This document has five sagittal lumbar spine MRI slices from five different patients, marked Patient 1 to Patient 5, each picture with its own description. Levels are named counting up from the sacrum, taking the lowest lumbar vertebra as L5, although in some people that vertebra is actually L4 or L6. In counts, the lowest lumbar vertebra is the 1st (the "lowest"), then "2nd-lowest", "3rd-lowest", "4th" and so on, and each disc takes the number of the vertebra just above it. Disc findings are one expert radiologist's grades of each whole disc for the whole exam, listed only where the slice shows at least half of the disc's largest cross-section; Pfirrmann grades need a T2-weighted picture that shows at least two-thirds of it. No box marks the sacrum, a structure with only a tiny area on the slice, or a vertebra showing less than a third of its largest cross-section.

Patient 1 of 5:
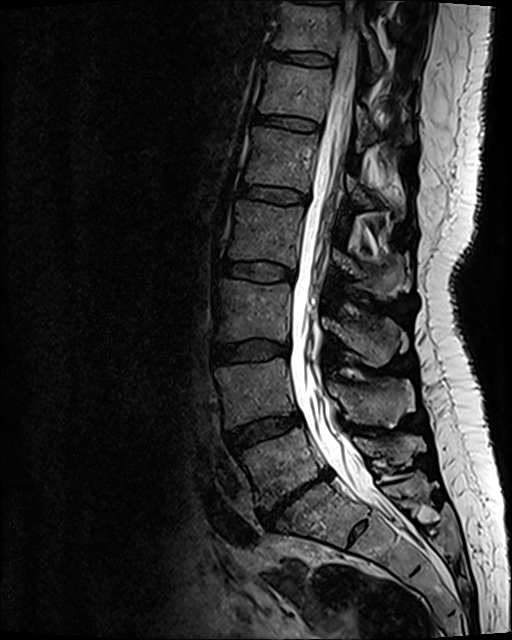
Sex F, Sagittal slice index 64, T2 SPACE (3D) sagittal MRI of the lumbar spine
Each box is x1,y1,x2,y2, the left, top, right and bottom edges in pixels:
IVD L3/L4 at 212,340,288,363; L1 at 245,128,403,218; T12 vertebra at 260,63,410,139; IVD L1/L2 at 239,184,307,204; IVD L4/L5 at 227,412,301,451; T11 at 273,6,383,70; T11/T12 at 269,50,331,65; IVD L2/L3 at 219,260,294,280; IVD T12/L1 at 255,114,319,131; L4 at 215,358,414,427; IVD L5/S1 at 258,470,330,525; L5 at 241,428,424,508; thecal sac / spinal canal at 290,1,399,520; L3 at 216,281,406,366; L2 vertebra at 229,201,411,300.

Per-level radiological findings:
• T12/L1: Pfirrmann grade 2
• T11/T12: Pfirrmann grade 2
• L1/L2: Pfirrmann grade 2
• L5/S1: Pfirrmann grade 5, upper-endplate change, Modic type III, disc narrowing, lower-endplate change, disc herniation, disc bulging
• L2/L3: Pfirrmann grade 2
• L4/L5: Pfirrmann grade 3, disc bulging
• L3/L4: Pfirrmann grade 2, disc bulging

Patient 2 of 5:
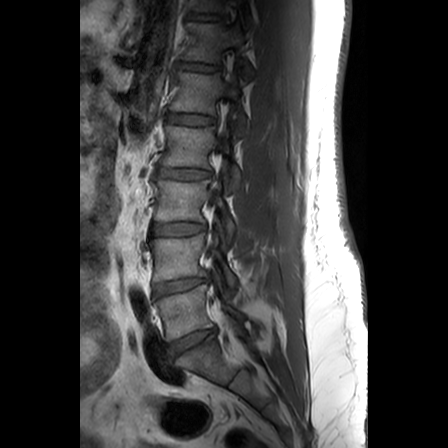
448x448 px; MRI lumbar spine (T1-weighted), sagittal plane; Patient sex: M

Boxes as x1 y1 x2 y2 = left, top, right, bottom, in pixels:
L3 at 153 180 236 241, disc T12/L1 at 179 63 218 71, disc L3/L4 at 151 222 205 235, disc L1/L2 at 167 113 213 125, L4 at 149 233 236 287, L5 at 155 284 244 340, T12 vertebra at 182 22 252 78, L2 at 161 126 241 192, disc L4/L5 at 152 278 205 298, T11 at 194 0 248 15, L5/S1 at 169 329 214 355, disc T11/T12 at 190 13 220 20, L1 at 170 72 249 135, L2/L3 at 156 169 210 179.

Per-level radiological findings:
• L2/L3: disc bulging
• L5/S1: disc bulging
• L1/L2, L3/L4, T12/L1, T11/T12, L4/L5: no herniation, bulging, narrowing, spondylolisthesis, endplate or Modic change recorded

Patient 3 of 5:
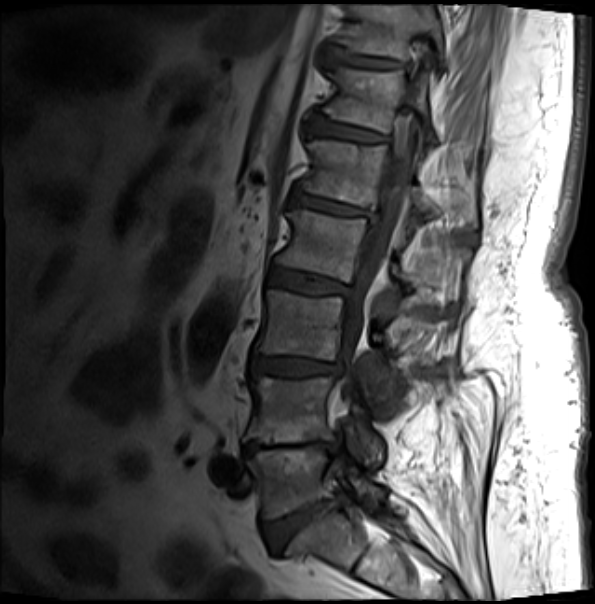 Sagittal slice index 10; Lumbar spine MR, T1-weighted, sagittal

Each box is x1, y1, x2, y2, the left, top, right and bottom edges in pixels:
{"intervertebral disc L3/L4 (3rd-lowest disc)": "251, 356, 341, 375", "L2 (4th vertebra)": "275, 210, 453, 288", "spinal canal": "333, 82, 418, 464", "L5 (lowest vertebra)": "247, 445, 382, 519", "L3 (3rd-lowest vertebra)": "255, 289, 423, 382", "T12 (6th vertebra)": "324, 67, 438, 145", "intervertebral disc L5/S1 (lowest disc)": "262, 501, 334, 552", "L4/L5 (2nd-lowest disc)": "244, 441, 338, 456", "intervertebral disc L2/L3 (4th disc)": "268, 269, 349, 293", "T11 (7th vertebra)": "339, 5, 447, 68", "intervertebral disc T11/T12 (7th disc)": "326, 48, 401, 67", "L1 (5th vertebra)": "298, 141, 475, 224", "T12/L1 (6th disc)": "309, 119, 386, 141", "L1/L2 (5th disc)": "290, 192, 369, 215", "L4 (2nd-lowest vertebra)": "244, 376, 384, 460"}

Radiological gradings:
• L5/S1 (lowest disc): lower-endplate change, disc narrowing, upper-endplate change, disc bulging, Modic type II
• L1/L2 (5th disc): disc bulging, upper-endplate change, Modic type II, lower-endplate change
• T12/L1 (6th disc): lower-endplate change, Modic type II, upper-endplate change
• T11/T12 (7th disc): upper-endplate change, disc bulging, lower-endplate change, Modic type II
• L3/L4 (3rd-lowest disc): lower-endplate change, upper-endplate change, Modic type II, disc narrowing, disc bulging
• L4/L5 (2nd-lowest disc): Modic type II, disc narrowing, disc bulging, upper-endplate change, lower-endplate change
• L2/L3 (4th disc): Modic type II, disc bulging, lower-endplate change, upper-endplate change

Patient 4 of 5:
Lumbar spine MR, T1-weighted, sagittal | Slice 6/26 | 471x478 px | Philips Healthcare Ingenia (3T)

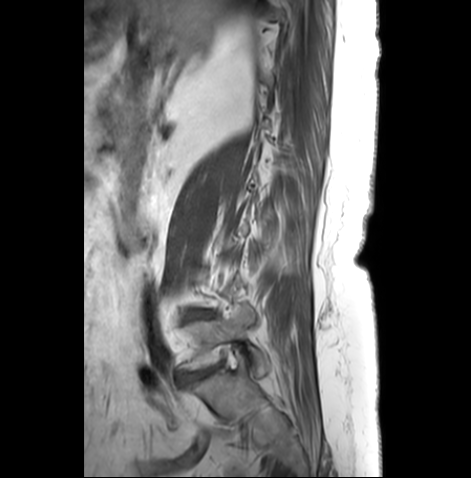

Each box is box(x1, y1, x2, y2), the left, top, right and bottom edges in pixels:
L4/L5 = box(191, 310, 211, 316).
L5 vertebra = box(182, 304, 269, 373).
IVD L5/S1 = box(183, 370, 206, 381).

Patient 5 of 5:
Field of view 240x300 mm, slice spacing 0.9 mm; Patient sex: F; Sagittal T2 SPACE (3D) lumbar spine MRI; Sagittal slice index 40

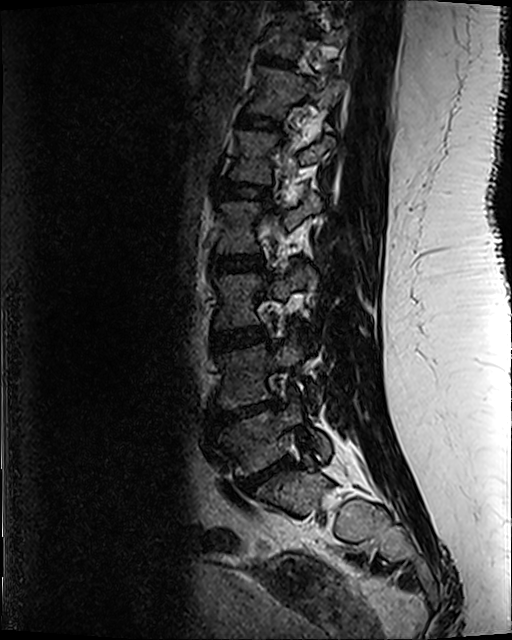

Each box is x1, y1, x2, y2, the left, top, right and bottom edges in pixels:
L5/S1 at 243, 461, 293, 488; L4/L5 at 219, 403, 277, 421; IVD L1/L2 at 217, 183, 266, 198; L4 at 220, 335, 317, 407; IVD L2/L3 at 212, 256, 262, 273; L3/L4 at 212, 328, 268, 350; L2 at 217, 196, 320, 253; T12 vertebra at 253, 68, 343, 115; IVD T10/T11 at 286, 0, 297, 5; T11/T12 at 263, 58, 283, 63; IVD T12/L1 at 243, 116, 277, 127; L1 at 231, 131, 333, 184; L3 vertebra at 216, 268, 316, 327; L5 at 217, 390, 330, 472.

Radiological gradings:
  L3/L4: Pfirrmann grade 3
  L1/L2: Pfirrmann grade 3, lower-endplate change
  L2/L3: Pfirrmann grade 3, upper-endplate change, lower-endplate change
  L5/S1: upper-endplate change, disc herniation, lower-endplate change, disc narrowing, Modic type II